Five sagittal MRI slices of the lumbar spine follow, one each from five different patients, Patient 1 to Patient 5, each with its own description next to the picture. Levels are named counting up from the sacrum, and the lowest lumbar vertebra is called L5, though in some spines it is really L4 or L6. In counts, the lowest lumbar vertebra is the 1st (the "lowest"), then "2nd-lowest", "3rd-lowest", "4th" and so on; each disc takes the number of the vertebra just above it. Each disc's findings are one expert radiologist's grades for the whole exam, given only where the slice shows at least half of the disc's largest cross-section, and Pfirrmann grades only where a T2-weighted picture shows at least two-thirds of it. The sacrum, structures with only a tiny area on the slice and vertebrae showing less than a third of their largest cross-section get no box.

Patient 1 of 5:
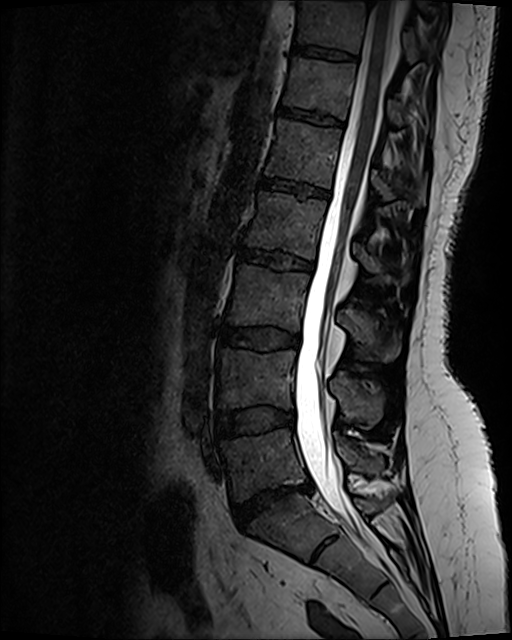

Slice 61/120; Sagittal T2 SPACE (3D) lumbar spine MRI; Sex F; 512x640 px

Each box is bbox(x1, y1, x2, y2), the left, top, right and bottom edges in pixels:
- thecal sac / spinal canal = bbox(295, 1, 394, 541)
- IVD L3/L4 = bbox(221, 328, 299, 349)
- IVD T12/L1 = bbox(279, 107, 342, 129)
- IVD L4/L5 = bbox(216, 408, 292, 438)
- L2/L3 = bbox(239, 248, 313, 270)
- L3 vertebra = bbox(227, 266, 399, 362)
- T12 = bbox(285, 58, 403, 124)
- IVD T11/T12 = bbox(293, 47, 354, 60)
- L4 = bbox(219, 350, 383, 427)
- L5/S1 = bbox(233, 485, 310, 528)
- L2 = bbox(244, 193, 407, 286)
- L5 = bbox(221, 429, 383, 500)
- L1/L2 = bbox(261, 179, 328, 198)
- L1 = bbox(266, 120, 425, 205)
- T11 = bbox(300, 3, 421, 62)

Expert MSK radiologist gradings (per disc):
- L5/S1: Pfirrmann grade 1, disc narrowing, disc herniation, disc bulging
- L1/L2: Pfirrmann grade 2, upper-endplate change, lower-endplate change
- L2/L3: Pfirrmann grade 4, upper-endplate change, disc bulging, lower-endplate change
- L3/L4: Pfirrmann grade 2, disc bulging
- T12/L1: Pfirrmann grade 2, lower-endplate change, upper-endplate change
- L4/L5: Pfirrmann grade 2, disc bulging
- T11/T12: Pfirrmann grade 2

Patient 2 of 5:
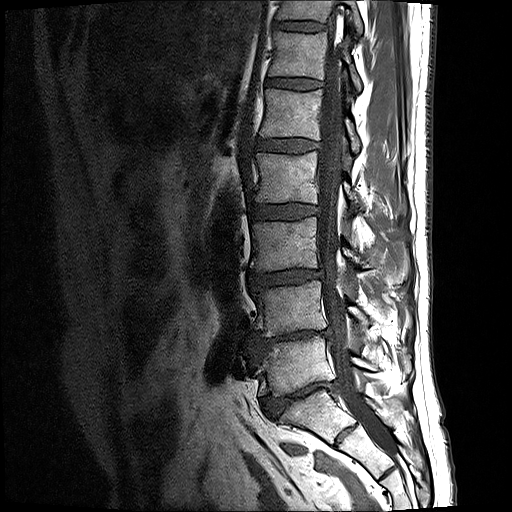
Sagittal T1-weighted lumbar spine MRI, Slice 8 of 17
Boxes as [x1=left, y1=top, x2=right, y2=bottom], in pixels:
Structures:
* L1 = [x1=260, y1=89, x2=360, y2=153]
* L4 = [x1=252, y1=279, x2=368, y2=336]
* T12 vertebra = [x1=270, y1=31, x2=361, y2=91]
* disc L4/L5 = [x1=254, y1=329, x2=330, y2=358]
* L3 = [x1=250, y1=217, x2=407, y2=283]
* disc L1/L2 = [x1=257, y1=139, x2=317, y2=152]
* L2 vertebra = [x1=255, y1=150, x2=360, y2=211]
* T11/T12 = [x1=274, y1=21, x2=323, y2=31]
* T11 vertebra = [x1=277, y1=0, x2=362, y2=33]
* disc L3/L4 = [x1=248, y1=269, x2=323, y2=287]
* disc T12/L1 = [x1=267, y1=78, x2=321, y2=89]
* L5 vertebra = [x1=257, y1=336, x2=410, y2=396]
* L2/L3 = [x1=252, y1=204, x2=318, y2=219]
* L5/S1 = [x1=262, y1=381, x2=336, y2=418]
* spinal canal = [x1=318, y1=45, x2=394, y2=455]

Expert MSK radiologist gradings (per disc):
• L3/L4: disc bulging, disc narrowing
• L5/S1: disc narrowing, spondylolisthesis, disc bulging, lower-endplate change
• L4/L5: Modic type II, disc narrowing, disc bulging, lower-endplate change
• L2/L3, L1/L2, T12/L1, T11/T12: no herniation, bulging, narrowing, spondylolisthesis, endplate or Modic change recorded

Patient 3 of 5:
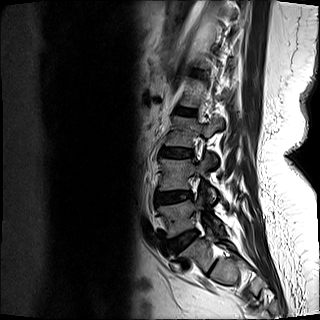

MRI lumbar spine (T2-weighted), sagittal plane, Slice spacing 4.8 mm, Sex F, Image 320x320, Slice 11 of 15
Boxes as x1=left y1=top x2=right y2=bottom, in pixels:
disc L4/L5: x1=156 y1=191 x2=192 y2=204 | L5/S1: x1=167 y1=229 x2=198 y2=251 | L4 vertebra: x1=159 y1=155 x2=216 y2=202 | disc L3/L4: x1=160 y1=148 x2=193 y2=157 | disc L2/L3: x1=175 y1=107 x2=196 y2=115 | L3: x1=165 y1=116 x2=223 y2=164 | L5 vertebra: x1=157 y1=197 x2=223 y2=237

Degenerative findings by level:
• L3/L4: Pfirrmann grade 2, lower-endplate change
• L4/L5: Pfirrmann grade 3, disc narrowing, disc bulging, Modic type II
• L5/S1: Pfirrmann grade 2
• L2/L3: no herniation, bulging, narrowing, spondylolisthesis, endplate or Modic change recorded

Patient 4 of 5:
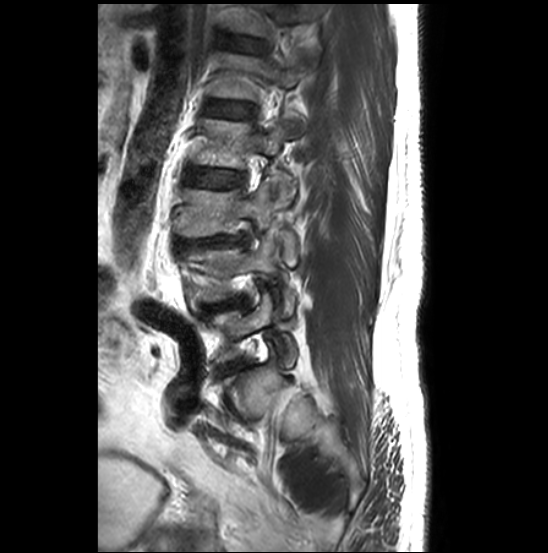 T2-weighted sagittal MRI of the lumbar spine.

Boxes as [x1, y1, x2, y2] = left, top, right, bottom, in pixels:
L1 — [208, 52, 306, 138].
L5 — [200, 292, 295, 363].
T12 vertebra — [224, 3, 315, 61].
L4 vertebra — [177, 236, 294, 318].
L3 — [173, 178, 298, 266].
L2 — [193, 119, 294, 206].
L2/L3 — [185, 168, 243, 187].
L3/L4 — [175, 234, 249, 250].
Intervertebral disc T12/L1 — [217, 34, 267, 51].
Intervertebral disc L4/L5 — [202, 295, 245, 312].
Intervertebral disc L1/L2 — [203, 101, 251, 118].
Intervertebral disc L5/S1 — [218, 364, 238, 376].

Degenerative findings by level:
- L3/L4: Pfirrmann grade 5, spondylolisthesis, disc herniation, disc narrowing, Modic type II, upper-endplate change, lower-endplate change
- T12/L1: Pfirrmann grade 2
- L2/L3: Pfirrmann grade 2
- L1/L2: no spondylolisthesis, narrowing, bulging, herniation, Modic or endplate change recorded

Patient 5 of 5:
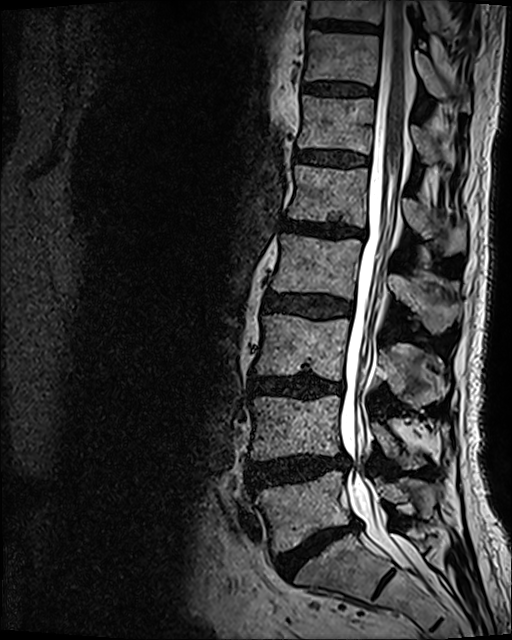 Patient sex: M; Sagittal T2 SPACE (3D) lumbar spine MRI
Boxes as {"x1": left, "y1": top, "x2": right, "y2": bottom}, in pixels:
L5 (lowest vertebra): {"x1": 256, "y1": 471, "x2": 435, "y2": 552}.
T10 (8th vertebra): {"x1": 311, "y1": 0, "x2": 439, "y2": 30}.
L2 (4th vertebra): {"x1": 270, "y1": 233, "x2": 460, "y2": 332}.
T12 (6th vertebra): {"x1": 298, "y1": 95, "x2": 439, "y2": 163}.
L4 (2nd-lowest vertebra): {"x1": 251, "y1": 395, "x2": 425, "y2": 468}.
L4/L5 (2nd-lowest disc): {"x1": 246, "y1": 454, "x2": 348, "y2": 489}.
L1 (5th vertebra): {"x1": 288, "y1": 164, "x2": 465, "y2": 255}.
L3/L4 (3rd-lowest disc): {"x1": 250, "y1": 376, "x2": 344, "y2": 398}.
T11 (7th vertebra): {"x1": 305, "y1": 31, "x2": 470, "y2": 111}.
T12/L1 (6th disc): {"x1": 295, "y1": 151, "x2": 367, "y2": 165}.
IVD T11/T12 (7th disc): {"x1": 304, "y1": 84, "x2": 374, "y2": 94}.
L3 (3rd-lowest vertebra): {"x1": 256, "y1": 313, "x2": 443, "y2": 404}.
L5/S1 (lowest disc): {"x1": 274, "y1": 521, "x2": 360, "y2": 579}.
IVD L1/L2 (5th disc): {"x1": 281, "y1": 219, "x2": 365, "y2": 236}.
IVD L2/L3 (4th disc): {"x1": 262, "y1": 291, "x2": 352, "y2": 319}.
Thecal sac / spinal canal: {"x1": 339, "y1": 1, "x2": 420, "y2": 570}.
T10/T11 (8th disc): {"x1": 308, "y1": 19, "x2": 378, "y2": 33}.

Degenerative findings by level:
• L1/L2 (5th disc): Pfirrmann grade 4, Modic type II, disc narrowing, disc bulging, lower-endplate change, upper-endplate change
• T11/T12 (7th disc): Pfirrmann grade 3
• T12/L1 (6th disc): Pfirrmann grade 3
• L5/S1 (lowest disc): Pfirrmann grade 5, lower-endplate change, disc narrowing, Modic type II, disc bulging
• L4/L5 (2nd-lowest disc): Pfirrmann grade 4, disc bulging, disc herniation
• L2/L3 (4th disc): Pfirrmann grade 3, disc bulging
• L3/L4 (3rd-lowest disc): Pfirrmann grade 4, lower-endplate change, disc narrowing, Modic type II, disc bulging